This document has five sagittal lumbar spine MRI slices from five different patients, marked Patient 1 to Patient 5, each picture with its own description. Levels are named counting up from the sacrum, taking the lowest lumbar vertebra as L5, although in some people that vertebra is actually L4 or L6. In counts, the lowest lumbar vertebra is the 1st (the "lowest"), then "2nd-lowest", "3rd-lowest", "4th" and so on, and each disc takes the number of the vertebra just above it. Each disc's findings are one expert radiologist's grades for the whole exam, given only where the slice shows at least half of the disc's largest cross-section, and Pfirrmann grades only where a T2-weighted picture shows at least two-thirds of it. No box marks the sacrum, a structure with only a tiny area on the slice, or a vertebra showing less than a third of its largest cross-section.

Patient 1 of 5:
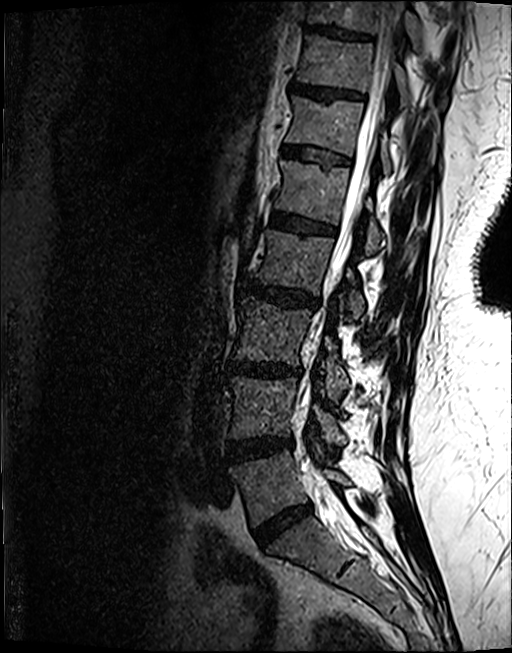

Sex F | Sagittal slice index 52 | MRI lumbar spine (T2 SPACE (3D)), sagittal plane
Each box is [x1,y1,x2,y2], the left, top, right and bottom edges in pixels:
{"2nd-lowest vertebra": "[228,377,345,444]", "lowest disc": "[255,503,312,546]", "3rd-lowest disc": "[228,362,300,376]", "7th vertebra": "[297,34,447,106]", "7th disc": "[291,81,362,98]", "thecal sac / spinal canal": "[297,0,404,515]", "8th vertebra": "[307,0,420,47]", "6th disc": "[282,145,349,163]", "6th vertebra": "[285,94,390,173]", "2nd-lowest disc": "[227,437,292,461]", "4th disc": "[241,279,318,307]", "8th disc": "[305,24,369,38]", "5th disc": "[270,211,334,233]", "4th vertebra": "[250,229,364,320]", "5th vertebra": "[275,159,383,253]", "lowest vertebra": "[228,450,350,526]", "3rd-lowest vertebra": "[232,296,348,400]"}

Per-level radiological findings:
- 5th disc: Pfirrmann grade 4, lower-endplate change, upper-endplate change, Modic type II
- lowest disc: Pfirrmann grade 4, disc narrowing, disc bulging
- 4th disc: Pfirrmann grade 4, upper-endplate change, lower-endplate change, disc bulging
- 3rd-lowest disc: Pfirrmann grade 4, disc bulging, Modic type II, disc narrowing, upper-endplate change, lower-endplate change
- 7th disc: Pfirrmann grade 4, upper-endplate change
- 6th disc: Pfirrmann grade 3, lower-endplate change, upper-endplate change
- 2nd-lowest disc: Pfirrmann grade 4, lower-endplate change, Modic type II, disc bulging
- 8th disc: Pfirrmann grade 4, lower-endplate change, upper-endplate change

Patient 2 of 5:
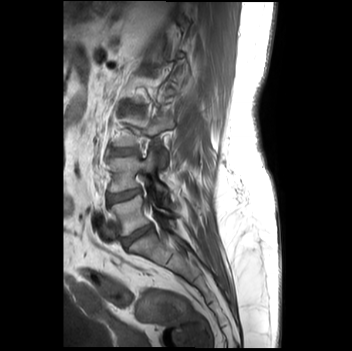 Sagittal T1-weighted lumbar spine MRI | 352x351 px | Sagittal slice index 22

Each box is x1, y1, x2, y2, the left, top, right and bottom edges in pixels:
Lowest disc at 121, 223, 152, 246.
2nd-lowest disc at 107, 187, 141, 205.
3rd-lowest vertebra at 113, 113, 173, 169.
3rd-lowest disc at 109, 148, 137, 156.
Lowest vertebra at 109, 195, 175, 235.
2nd-lowest vertebra at 108, 148, 169, 200.

Per-level radiological findings:
• lowest disc: Modic type II, disc narrowing, lower-endplate change, upper-endplate change
• 3rd-lowest disc, 2nd-lowest disc: no spondylolisthesis, narrowing, bulging, herniation, Modic or endplate change recorded

Patient 3 of 5:
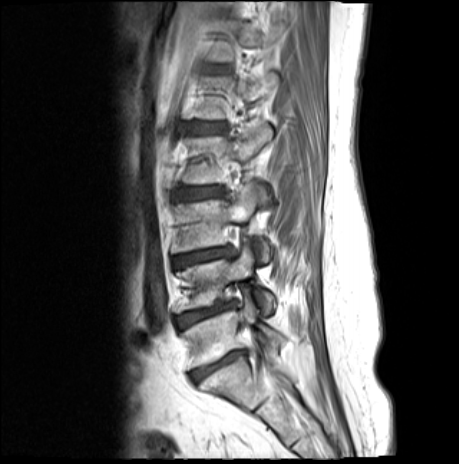 459x464 px, Patient sex: F, T1-weighted sagittal MRI of the lumbar spine
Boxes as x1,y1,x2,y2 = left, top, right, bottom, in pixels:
L5/S1 (lowest disc): 191,351,243,380.
L5 (lowest vertebra): 181,293,284,368.
L1/L2 (5th disc): 189,122,223,134.
L3/L4 (3rd-lowest disc): 175,247,230,267.
Intervertebral disc L2/L3 (4th disc): 178,187,220,199.
L4/L5 (2nd-lowest disc): 175,302,234,327.
L2 (4th vertebra): 184,124,271,184.
L4 (2nd-lowest vertebra): 175,243,273,313.
L3 (3rd-lowest vertebra): 172,182,269,261.

Expert MSK radiologist gradings (per disc):
- L4/L5 (2nd-lowest disc): lower-endplate change, disc narrowing, Modic type II, disc bulging, upper-endplate change
- L2/L3 (4th disc): Modic type II, lower-endplate change, disc bulging, upper-endplate change
- L3/L4 (3rd-lowest disc): disc bulging, Modic type II, disc narrowing, lower-endplate change, upper-endplate change
- L1/L2 (5th disc): disc bulging, lower-endplate change, Modic type II, upper-endplate change
- L5/S1 (lowest disc): disc narrowing, upper-endplate change, Modic type II, disc bulging, lower-endplate change

Patient 4 of 5:
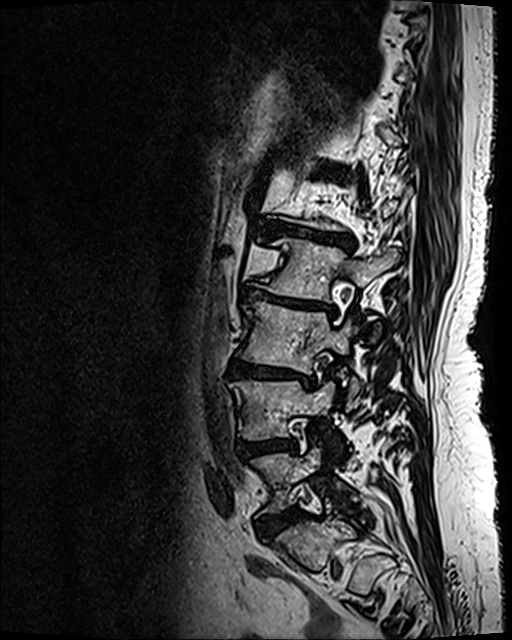
Sagittal T2 SPACE (3D) lumbar spine MRI | Patient sex: F

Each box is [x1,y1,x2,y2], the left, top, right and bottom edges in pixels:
Structures:
• lowest disc: [258,508,301,537]
• 3rd-lowest disc: [227,361,315,386]
• 4th vertebra: [253,239,399,300]
• lowest vertebra: [252,446,347,512]
• 4th disc: [241,287,334,314]
• 2nd-lowest disc: [237,437,297,457]
• 2nd-lowest vertebra: [229,381,334,439]
• 5th disc: [268,221,352,247]
• 3rd-lowest vertebra: [238,302,360,408]

Expert MSK radiologist gradings (per disc):
  5th disc: Pfirrmann grade 5, upper-endplate change, lower-endplate change, disc narrowing, Modic type II, disc bulging
  2nd-lowest disc: upper-endplate change, disc bulging, lower-endplate change
  4th disc: Pfirrmann grade 5, disc narrowing, disc bulging, Modic type II, lower-endplate change, upper-endplate change
  3rd-lowest disc: Pfirrmann grade 5, disc narrowing, disc bulging, upper-endplate change, lower-endplate change, Modic type II

Patient 5 of 5:
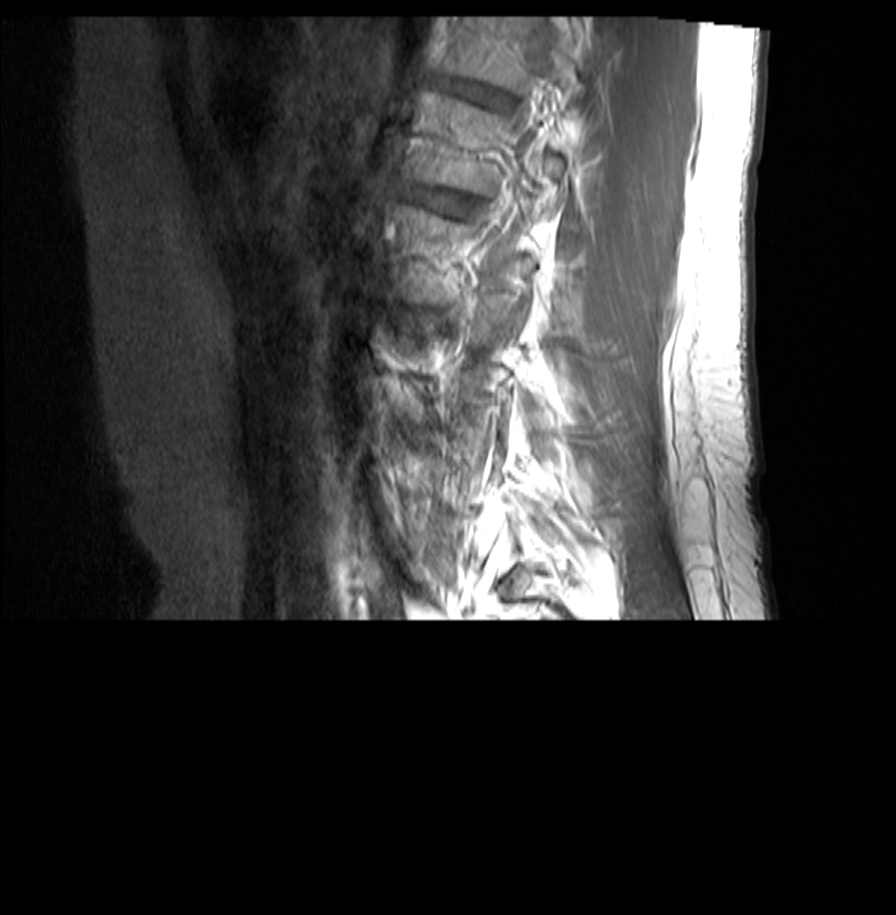
Sagittal T1-weighted lumbar spine MRI
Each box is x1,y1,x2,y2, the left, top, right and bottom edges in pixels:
5th vertebra: 421,95,564,194.
6th disc: 451,81,504,107.
5th disc: 428,189,477,216.